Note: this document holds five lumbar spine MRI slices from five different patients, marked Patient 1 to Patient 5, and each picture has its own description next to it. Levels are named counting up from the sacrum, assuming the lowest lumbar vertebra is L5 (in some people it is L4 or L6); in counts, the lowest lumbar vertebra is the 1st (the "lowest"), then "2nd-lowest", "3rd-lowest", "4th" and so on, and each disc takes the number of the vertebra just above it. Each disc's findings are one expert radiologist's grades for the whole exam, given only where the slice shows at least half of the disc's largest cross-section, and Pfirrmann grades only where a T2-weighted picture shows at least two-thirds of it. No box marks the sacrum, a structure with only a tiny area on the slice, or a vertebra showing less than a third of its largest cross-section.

Patient 1 of 5:
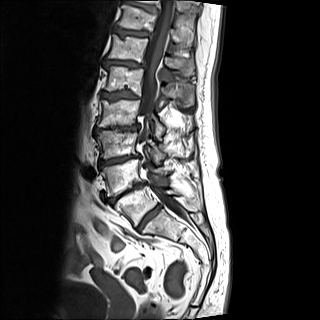 Lumbar spine MR, T1-weighted, sagittal; Sagittal slice index 9; Sex F

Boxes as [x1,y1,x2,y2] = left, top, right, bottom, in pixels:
7th vertebra — [118,4,193,45].
Lowest disc — [136,204,161,230].
5th vertebra — [104,65,194,105].
8th disc — [122,0,156,11].
6th vertebra — [107,34,195,76].
4th vertebra — [97,99,192,138].
2nd-lowest disc — [107,183,145,203].
3rd-lowest disc — [99,156,138,167].
6th disc — [104,59,144,67].
3rd-lowest vertebra — [96,129,165,163].
5th disc — [101,91,141,100].
4th disc — [95,124,139,132].
Spinal canal — [140,0,186,218].
2nd-lowest vertebra — [100,159,195,196].
8th vertebra — [135,0,190,12].
7th disc — [113,26,149,36].
Lowest vertebra — [114,187,178,226].

Radiological gradings:
- 5th disc: disc narrowing, upper-endplate change, lower-endplate change, Modic type II, disc bulging
- 3rd-lowest disc: disc narrowing, disc bulging, Modic type II, upper-endplate change, lower-endplate change
- 6th disc: Modic type II, lower-endplate change, disc bulging, upper-endplate change, disc narrowing
- lowest disc: upper-endplate change, lower-endplate change, disc narrowing, disc bulging, Modic type II
- 2nd-lowest disc: disc bulging, lower-endplate change, Modic type II, upper-endplate change, disc narrowing
- 8th disc: disc bulging
- 4th disc: disc bulging, upper-endplate change, lower-endplate change, disc narrowing, Modic type II
- 7th disc: disc bulging, lower-endplate change, Modic type II, upper-endplate change

Patient 2 of 5:
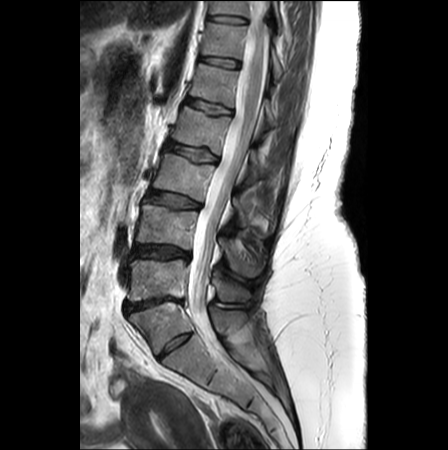 Sex F, MRI lumbar spine (T2-weighted), sagittal plane, Field of view 280x282 mm
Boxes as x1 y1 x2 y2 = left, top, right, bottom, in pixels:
5th disc = 186 98 230 114.
7th disc = 209 16 245 22.
3rd-lowest vertebra = 153 153 248 225.
Thecal sac / spinal canal = 188 1 269 336.
Lowest vertebra = 127 260 249 301.
4th disc = 166 141 217 162.
5th vertebra = 190 63 296 131.
4th vertebra = 172 106 264 181.
3rd-lowest disc = 146 190 200 207.
2nd-lowest vertebra = 136 204 263 277.
2nd-lowest disc = 132 244 191 259.
7th vertebra = 210 1 281 27.
6th vertebra = 202 22 282 78.
6th disc = 200 57 238 67.
Lowest disc = 124 297 183 312.

Radiological gradings:
  lowest disc: Pfirrmann grade 5, disc bulging, spondylolisthesis, Modic type II, disc narrowing
  5th disc: Pfirrmann grade 2, lower-endplate change, upper-endplate change
  7th disc: Pfirrmann grade 1
  2nd-lowest disc: Pfirrmann grade 4, disc bulging, disc herniation
  6th disc: Pfirrmann grade 1
  4th disc: Pfirrmann grade 2, lower-endplate change, upper-endplate change
  3rd-lowest disc: Pfirrmann grade 3, Modic type II, disc bulging

Patient 3 of 5:
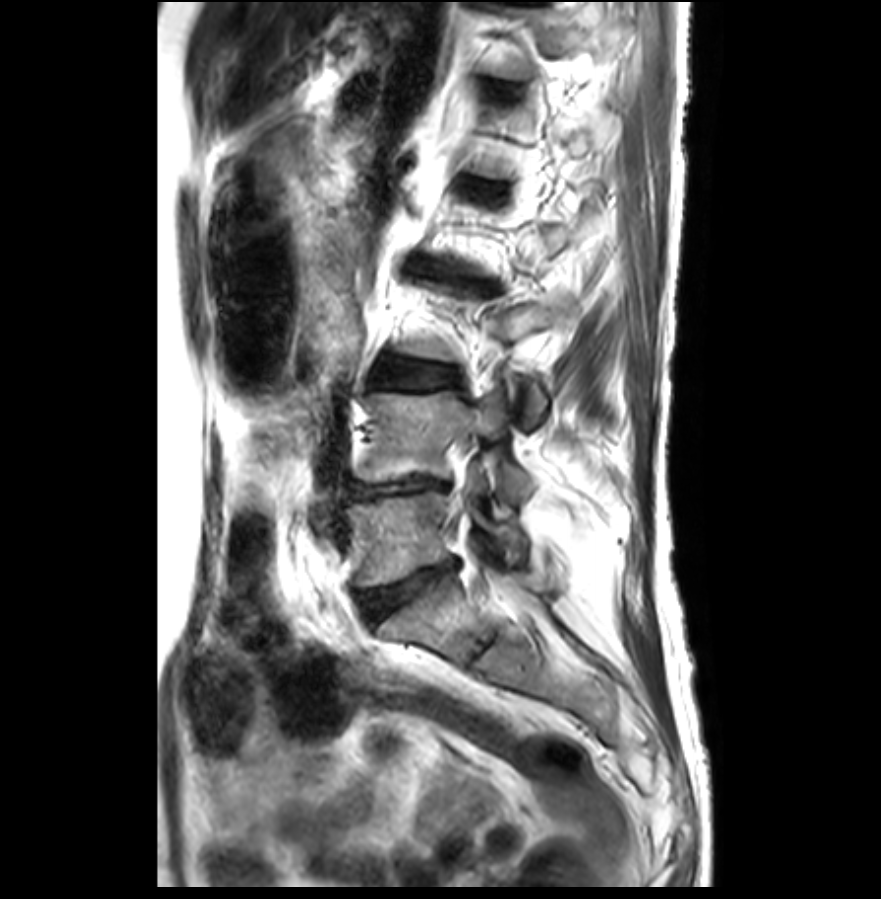 Patient sex: F | MRI lumbar spine (T2-weighted), sagittal plane
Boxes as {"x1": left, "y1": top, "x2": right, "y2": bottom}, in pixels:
{"T12/L1": {"x1": 486, "y1": 81, "x2": 512, "y2": 98}, "intervertebral disc L1/L2": {"x1": 464, "y1": 181, "x2": 505, "y2": 203}, "L4": {"x1": 360, "y1": 389, "x2": 532, "y2": 501}, "L4/L5": {"x1": 356, "y1": 480, "x2": 447, "y2": 496}, "L2/L3": {"x1": 403, "y1": 258, "x2": 491, "y2": 291}, "L5": {"x1": 348, "y1": 462, "x2": 526, "y2": 587}, "intervertebral disc L5/S1": {"x1": 360, "y1": 562, "x2": 457, "y2": 619}, "intervertebral disc L3/L4": {"x1": 374, "y1": 362, "x2": 457, "y2": 388}}

Degenerative findings by level:
• L5/S1: Pfirrmann grade 3, upper-endplate change, disc bulging, lower-endplate change, disc narrowing
• L2/L3: disc herniation, disc narrowing, disc bulging, lower-endplate change, Modic type II, upper-endplate change
• L3/L4: Pfirrmann grade 3, disc bulging, Modic type II
• L4/L5: Modic type II, disc bulging, disc narrowing

Patient 4 of 5:
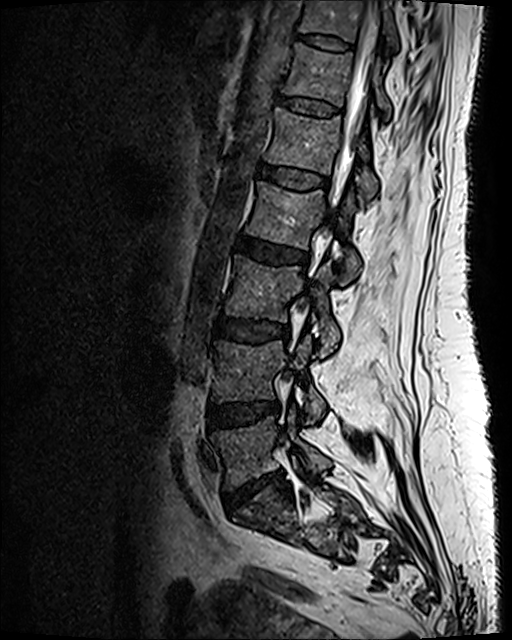 Sex F; MRI lumbar spine (T2 SPACE (3D)), sagittal plane; Slice spacing 0.9 mm

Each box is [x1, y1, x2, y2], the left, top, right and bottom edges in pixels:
Structures:
* spinal canal: [330, 0, 378, 204]
* T12: [282, 43, 391, 120]
* L3 vertebra: [226, 255, 339, 355]
* intervertebral disc T11/T12: [294, 33, 352, 52]
* L4: [212, 337, 325, 422]
* L3/L4: [218, 319, 286, 341]
* L2 vertebra: [246, 181, 361, 281]
* L4/L5: [208, 401, 280, 427]
* T11 vertebra: [298, 0, 400, 58]
* L5/S1: [225, 472, 281, 513]
* intervertebral disc L2/L3: [238, 236, 307, 264]
* L5 vertebra: [211, 411, 330, 489]
* intervertebral disc L1/L2: [259, 165, 329, 189]
* L1: [265, 107, 377, 199]
* T12/L1: [275, 96, 338, 116]

Radiological gradings:
• L1/L2: Pfirrmann grade 2
• L2/L3: Pfirrmann grade 3, disc bulging
• L5/S1: upper-endplate change, lower-endplate change, disc herniation, disc narrowing
• L4/L5: Pfirrmann grade 3, disc bulging
• T11/T12: Pfirrmann grade 2
• T12/L1: Pfirrmann grade 2
• L3/L4: Pfirrmann grade 3

Patient 5 of 5:
Sagittal slice index 4, Image 448x449, Field of view 280x280 mm, slice spacing 3.3 mm, Lumbar spine MR, T2-weighted, sagittal

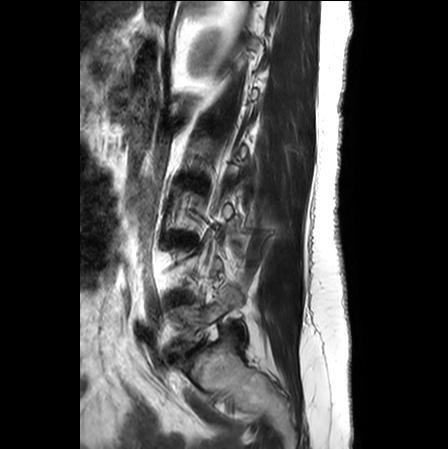
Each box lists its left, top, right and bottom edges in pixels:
Structures:
- lowest disc — left=189, top=344, right=201, bottom=354
- lowest vertebra — left=171, top=293, right=248, bottom=351